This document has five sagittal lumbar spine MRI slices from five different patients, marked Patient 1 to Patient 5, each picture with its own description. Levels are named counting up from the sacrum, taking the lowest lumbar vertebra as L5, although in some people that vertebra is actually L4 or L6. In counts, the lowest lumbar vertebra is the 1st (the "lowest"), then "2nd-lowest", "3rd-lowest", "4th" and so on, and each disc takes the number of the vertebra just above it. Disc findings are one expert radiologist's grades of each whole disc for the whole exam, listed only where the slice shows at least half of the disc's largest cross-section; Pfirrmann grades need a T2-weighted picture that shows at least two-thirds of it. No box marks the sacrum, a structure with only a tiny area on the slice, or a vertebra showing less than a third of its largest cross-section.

Patient 1 of 5:
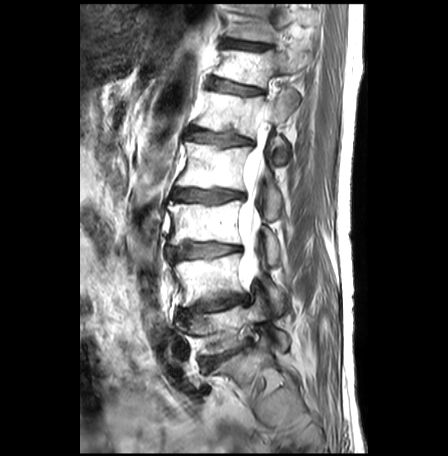

Sagittal T2-weighted lumbar spine MRI
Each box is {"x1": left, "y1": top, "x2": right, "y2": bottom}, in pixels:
L3 vertebra: {"x1": 168, "y1": 200, "x2": 280, "y2": 265}.
L5: {"x1": 178, "y1": 294, "x2": 288, "y2": 354}.
T12 vertebra: {"x1": 215, "y1": 50, "x2": 311, "y2": 88}.
T12/L1: {"x1": 208, "y1": 78, "x2": 261, "y2": 94}.
IVD L4/L5: {"x1": 181, "y1": 294, "x2": 246, "y2": 318}.
IVD L3/L4: {"x1": 165, "y1": 241, "x2": 240, "y2": 262}.
L1 vertebra: {"x1": 196, "y1": 89, "x2": 300, "y2": 164}.
Spinal canal: {"x1": 239, "y1": 108, "x2": 270, "y2": 284}.
L2: {"x1": 176, "y1": 142, "x2": 281, "y2": 220}.
L4 vertebra: {"x1": 173, "y1": 253, "x2": 281, "y2": 311}.
IVD T11/T12: {"x1": 223, "y1": 39, "x2": 266, "y2": 48}.
IVD L2/L3: {"x1": 173, "y1": 189, "x2": 243, "y2": 205}.
L1/L2: {"x1": 190, "y1": 129, "x2": 250, "y2": 146}.
T11 vertebra: {"x1": 230, "y1": 4, "x2": 316, "y2": 41}.
IVD L5/S1: {"x1": 201, "y1": 343, "x2": 250, "y2": 367}.

Expert MSK radiologist gradings (per disc):
- L2/L3: Pfirrmann grade 3, Modic type II, lower-endplate change, disc narrowing, upper-endplate change, disc bulging
- L3/L4: Pfirrmann grade 3, upper-endplate change, disc narrowing, Modic type II, lower-endplate change, disc bulging
- L1/L2: Pfirrmann grade 3, lower-endplate change, Modic type II, upper-endplate change, disc bulging
- L4/L5: Pfirrmann grade 2, upper-endplate change, lower-endplate change, Modic type II, disc bulging
- T12/L1: Pfirrmann grade 3, Modic type II, upper-endplate change, disc bulging, lower-endplate change

Patient 2 of 5:
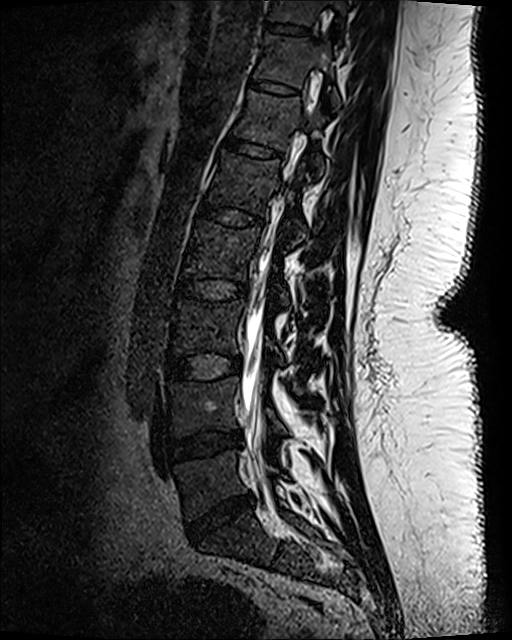

MRI lumbar spine (T2 SPACE (3D)), sagittal plane, Image 512x640
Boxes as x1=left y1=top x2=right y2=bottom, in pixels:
7th disc — x1=248 y1=78 x2=299 y2=95.
3rd-lowest disc — x1=166 y1=353 x2=242 y2=381.
5th disc — x1=197 y1=200 x2=264 y2=228.
2nd-lowest disc — x1=167 y1=431 x2=241 y2=462.
2nd-lowest vertebra — x1=169 y1=378 x2=285 y2=434.
4th vertebra — x1=184 y1=220 x2=288 y2=304.
6th disc — x1=224 y1=134 x2=282 y2=159.
5th vertebra — x1=208 y1=150 x2=306 y2=242.
Lowest vertebra — x1=175 y1=452 x2=286 y2=519.
8th vertebra — x1=267 y1=0 x2=347 y2=25.
8th disc — x1=266 y1=22 x2=309 y2=36.
6th vertebra — x1=234 y1=91 x2=324 y2=174.
Lowest disc — x1=186 y1=494 x2=253 y2=541.
7th vertebra — x1=255 y1=34 x2=340 y2=107.
Thecal sac / spinal canal — x1=241 y1=107 x2=311 y2=469.
3rd-lowest vertebra — x1=173 y1=301 x2=285 y2=363.
4th disc — x1=177 y1=279 x2=247 y2=301.

Radiological gradings:
  2nd-lowest disc: Pfirrmann grade 3, disc bulging, disc narrowing
  8th disc: Pfirrmann grade 1
  3rd-lowest disc: Pfirrmann grade 1
  5th disc: Pfirrmann grade 1
  6th disc: Pfirrmann grade 1
  4th disc: Pfirrmann grade 1
  lowest disc: Pfirrmann grade 4, disc bulging, disc narrowing
  7th disc: Pfirrmann grade 1

Patient 3 of 5:
Field of view 284x281 mm, slice spacing 3.3 mm, MRI lumbar spine (T2-weighted), sagittal plane 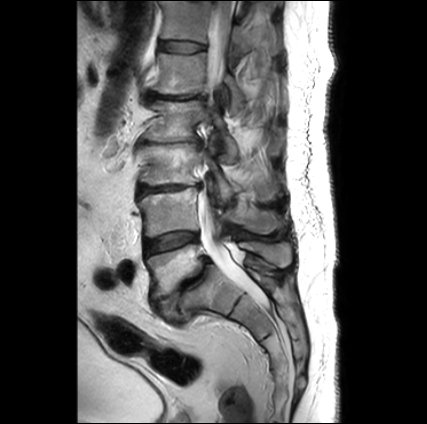

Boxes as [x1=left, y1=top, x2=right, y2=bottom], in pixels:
Intervertebral disc L3/L4 at [x1=139, y1=185, x2=201, y2=195], spinal canal at [x1=198, y1=1, x2=260, y2=297], L2 vertebra at [x1=144, y1=100, x2=283, y2=162], T12 at [x1=160, y1=1, x2=281, y2=55], intervertebral disc L2/L3 at [x1=143, y1=141, x2=186, y2=144], L1/L2 at [x1=148, y1=92, x2=206, y2=99], L4 at [x1=139, y1=187, x2=284, y2=237], L1 at [x1=151, y1=52, x2=246, y2=114], L3 at [x1=140, y1=140, x2=275, y2=200], L5 at [x1=147, y1=241, x2=291, y2=298], L5/S1 at [x1=156, y1=257, x2=212, y2=316], intervertebral disc L4/L5 at [x1=143, y1=231, x2=197, y2=255], T12/L1 at [x1=159, y1=41, x2=205, y2=52].

Radiological gradings:
- L3/L4: Pfirrmann grade 5, lower-endplate change, upper-endplate change, disc narrowing, Modic type II, disc bulging
- L4/L5: Pfirrmann grade 3, Modic type II
- L5/S1: Pfirrmann grade 5, lower-endplate change, disc narrowing, Modic type II, disc bulging, upper-endplate change, spondylolisthesis
- L1/L2: Pfirrmann grade 5, lower-endplate change, disc bulging, disc herniation, upper-endplate change, disc narrowing, Modic type II
- T12/L1: Pfirrmann grade 2

Patient 4 of 5:
Patient sex: M. Slice spacing 3.3 mm. Lumbar spine MR, T1-weighted, sagittal.
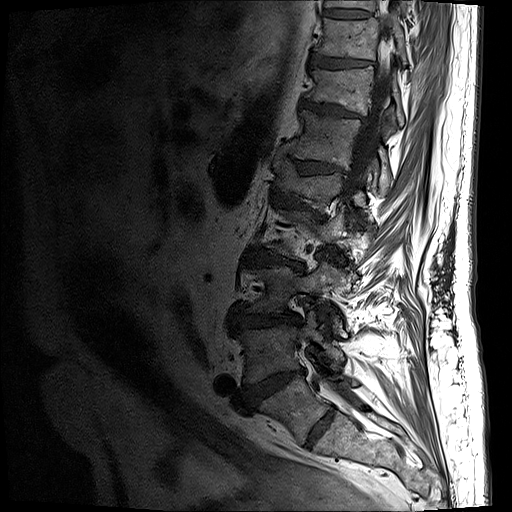

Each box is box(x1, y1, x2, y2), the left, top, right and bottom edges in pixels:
L2 vertebra — box(266, 206, 345, 259).
Intervertebral disc T10/T11 — box(310, 53, 371, 68).
Intervertebral disc T12/L1 — box(279, 144, 346, 174).
T10 vertebra — box(314, 13, 407, 71).
L5 vertebra — box(261, 377, 357, 443).
T12 vertebra — box(287, 109, 392, 192).
L3 — box(245, 261, 346, 335).
T11 vertebra — box(305, 65, 405, 131).
Intervertebral disc L2/L3 — box(243, 250, 305, 270).
T9 vertebra — box(325, 0, 409, 11).
Intervertebral disc L1/L2 — box(271, 189, 317, 208).
Intervertebral disc L3/L4 — box(232, 311, 300, 331).
T11/T12 — box(302, 100, 363, 118).
Intervertebral disc T9/T10 — box(322, 9, 371, 19).
L4 — box(238, 310, 344, 383).
L4/L5 — box(246, 370, 303, 406).
Intervertebral disc L5/S1 — box(306, 410, 334, 447).
L1 vertebra — box(274, 157, 366, 208).
Thecal sac / spinal canal — box(314, 18, 393, 403).

Radiological gradings:
- T12/L1: upper-endplate change, disc bulging, lower-endplate change, disc narrowing
- T10/T11: disc bulging, lower-endplate change, upper-endplate change
- L1/L2: disc narrowing, disc bulging, lower-endplate change, upper-endplate change
- T11/T12: disc bulging, disc narrowing, lower-endplate change, upper-endplate change
- L2/L3: lower-endplate change, Modic type II, disc narrowing, disc bulging, upper-endplate change
- L3/L4: lower-endplate change, disc narrowing, disc bulging, upper-endplate change
- L4/L5: lower-endplate change, disc herniation, Modic type II, upper-endplate change, disc bulging, disc narrowing
- T9/T10: lower-endplate change
- L5/S1: no spondylolisthesis, narrowing, bulging, herniation, Modic or endplate change recorded

Patient 5 of 5:
MRI lumbar spine (T1-weighted), sagittal plane
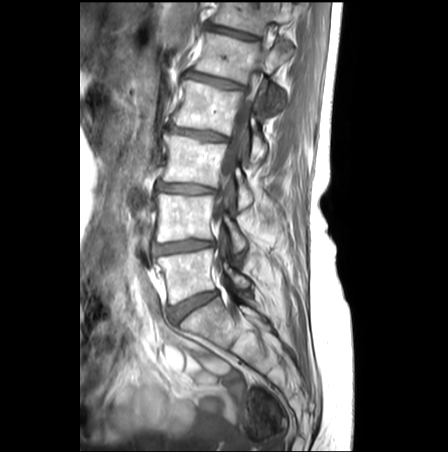
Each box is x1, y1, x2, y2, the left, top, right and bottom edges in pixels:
Annotations:
- intervertebral disc L3/L4: 156, 182, 214, 193
- L1 vertebra: 194, 33, 291, 114
- L2: 173, 80, 266, 162
- T12: 213, 2, 294, 34
- L5 vertebra: 157, 242, 250, 304
- thecal sac / spinal canal: 212, 50, 265, 228
- L4: 154, 192, 246, 251
- L4/L5: 153, 240, 213, 254
- L1/L2: 185, 71, 240, 89
- intervertebral disc L5/S1: 169, 291, 217, 321
- L2/L3: 170, 126, 225, 141
- intervertebral disc T12/L1: 207, 24, 255, 39
- L3: 163, 132, 253, 209

Expert MSK radiologist gradings (per disc):
  L2/L3: Modic type II, upper-endplate change, lower-endplate change, disc bulging, disc narrowing
  L1/L2: lower-endplate change, disc bulging, upper-endplate change
  L4/L5: lower-endplate change, Modic type II, disc bulging, disc narrowing, upper-endplate change
  L3/L4: upper-endplate change, Modic type II, disc bulging, disc narrowing, lower-endplate change
  T12/L1: lower-endplate change, upper-endplate change
  L5/S1: no herniation, bulging, narrowing, spondylolisthesis, endplate or Modic change recorded